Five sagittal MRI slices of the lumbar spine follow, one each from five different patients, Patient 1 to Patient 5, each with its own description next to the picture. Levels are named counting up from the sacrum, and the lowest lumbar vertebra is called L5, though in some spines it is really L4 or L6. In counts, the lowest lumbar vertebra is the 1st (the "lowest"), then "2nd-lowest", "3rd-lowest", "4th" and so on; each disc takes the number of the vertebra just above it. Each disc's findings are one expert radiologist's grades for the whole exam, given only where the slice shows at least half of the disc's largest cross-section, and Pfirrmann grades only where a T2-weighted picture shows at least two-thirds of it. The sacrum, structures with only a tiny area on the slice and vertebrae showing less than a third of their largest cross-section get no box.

Patient 1 of 5:
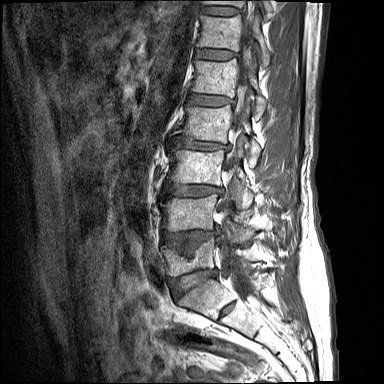
Slice 11 of 17; Sagittal T1-weighted lumbar spine MRI

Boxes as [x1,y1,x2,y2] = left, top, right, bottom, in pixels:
L1 vertebra: [191,58,266,118].
L3 vertebra: [167,149,253,207].
L5: [161,237,253,276].
Spinal canal: [218,14,255,296].
Disc T12/L1: [195,49,237,60].
T11 vertebra: [203,0,271,19].
L4: [160,194,252,236].
Disc L2/L3: [173,137,229,150].
L2: [174,104,260,157].
L5/S1: [169,269,218,296].
Disc T11/T12: [201,6,239,16].
L1/L2: [187,92,233,106].
L4/L5: [163,230,212,255].
T12: [196,15,270,66].
L3/L4: [165,183,223,196].

Expert MSK radiologist gradings (per disc):
  L4/L5: disc bulging, upper-endplate change, lower-endplate change
  T12/L1: upper-endplate change, lower-endplate change
  L2/L3: lower-endplate change, disc narrowing, disc bulging, upper-endplate change
  L1/L2: disc bulging, lower-endplate change, upper-endplate change
  L3/L4: upper-endplate change, disc bulging, lower-endplate change
  L5/S1: upper-endplate change, lower-endplate change, disc bulging, disc narrowing
  T11/T12: no Modic or endplate change, herniation, narrowing, bulging or spondylolisthesis recorded

Patient 2 of 5:
595x761 px. Field of view 240x307 mm, slice spacing 0.9 mm. SIEMENS Avanto_fit (1.5T). MRI lumbar spine (T2 SPACE (3D)), sagittal plane. Slice 67/139.
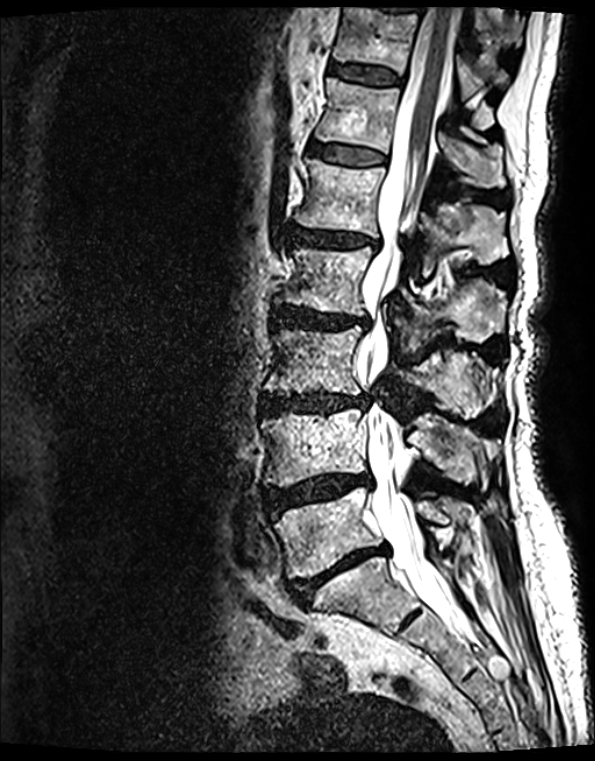
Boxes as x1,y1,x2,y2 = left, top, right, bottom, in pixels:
{"IVD L5/S1 (lowest disc)": "291,545,385,604", "T12 (6th vertebra)": "315,80,505,187", "IVD L1/L2 (5th disc)": "291,228,372,247", "L5 (lowest vertebra)": "274,487,468,578", "IVD T12/L1 (6th disc)": "309,144,383,166", "T11 (7th vertebra)": "331,8,507,99", "L2 (4th vertebra)": "278,248,506,352", "L4 (2nd-lowest vertebra)": "262,409,495,485", "T11/T12 (7th disc)": "330,65,401,85", "IVD L3/L4 (3rd-lowest disc)": "259,393,366,414", "L1 (5th vertebra)": "298,160,507,276", "L2/L3 (4th disc)": "273,309,364,329", "L3 (3rd-lowest vertebra)": "265,327,499,418", "spinal canal": "360,8,468,632", "IVD L4/L5 (2nd-lowest disc)": "265,474,370,515"}

Degenerative findings by level:
- L3/L4 (3rd-lowest disc): Pfirrmann grade 4, Modic type II, disc bulging, disc narrowing, lower-endplate change, upper-endplate change
- T12/L1 (6th disc): Pfirrmann grade 2, lower-endplate change, Modic type II, upper-endplate change
- L2/L3 (4th disc): Pfirrmann grade 4, disc bulging, upper-endplate change, disc narrowing, lower-endplate change, Modic type II
- L4/L5 (2nd-lowest disc): Pfirrmann grade 4, disc herniation, lower-endplate change, disc narrowing, upper-endplate change, disc bulging, Modic type II
- L5/S1 (lowest disc): Pfirrmann grade 5, upper-endplate change, disc narrowing, disc bulging, Modic type II, lower-endplate change
- T11/T12 (7th disc): Pfirrmann grade 2, upper-endplate change, lower-endplate change, Modic type II
- L1/L2 (5th disc): Pfirrmann grade 4, disc narrowing, upper-endplate change, Modic type II, lower-endplate change, disc bulging

Patient 3 of 5:
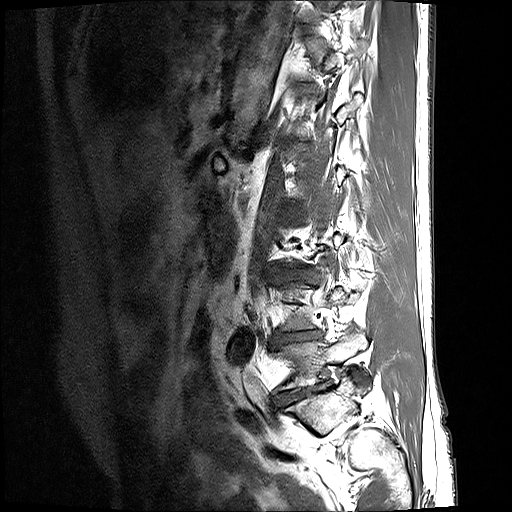

Sagittal T1-weighted lumbar spine MRI, Sagittal slice index 16
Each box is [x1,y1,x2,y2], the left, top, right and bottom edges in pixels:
L5: [275,330,370,390] | disc L5/S1: [276,381,331,407] | disc L3/L4: [273,268,316,281] | L4/L5: [279,331,318,341]

Expert MSK radiologist gradings (per disc):
• L3/L4: disc bulging, disc narrowing
• L5/S1: lower-endplate change, spondylolisthesis, disc narrowing, disc bulging

Patient 4 of 5:
Patient sex: F, Slice spacing 3.4 mm, T2-weighted sagittal MRI of the lumbar spine, Slice 15/36
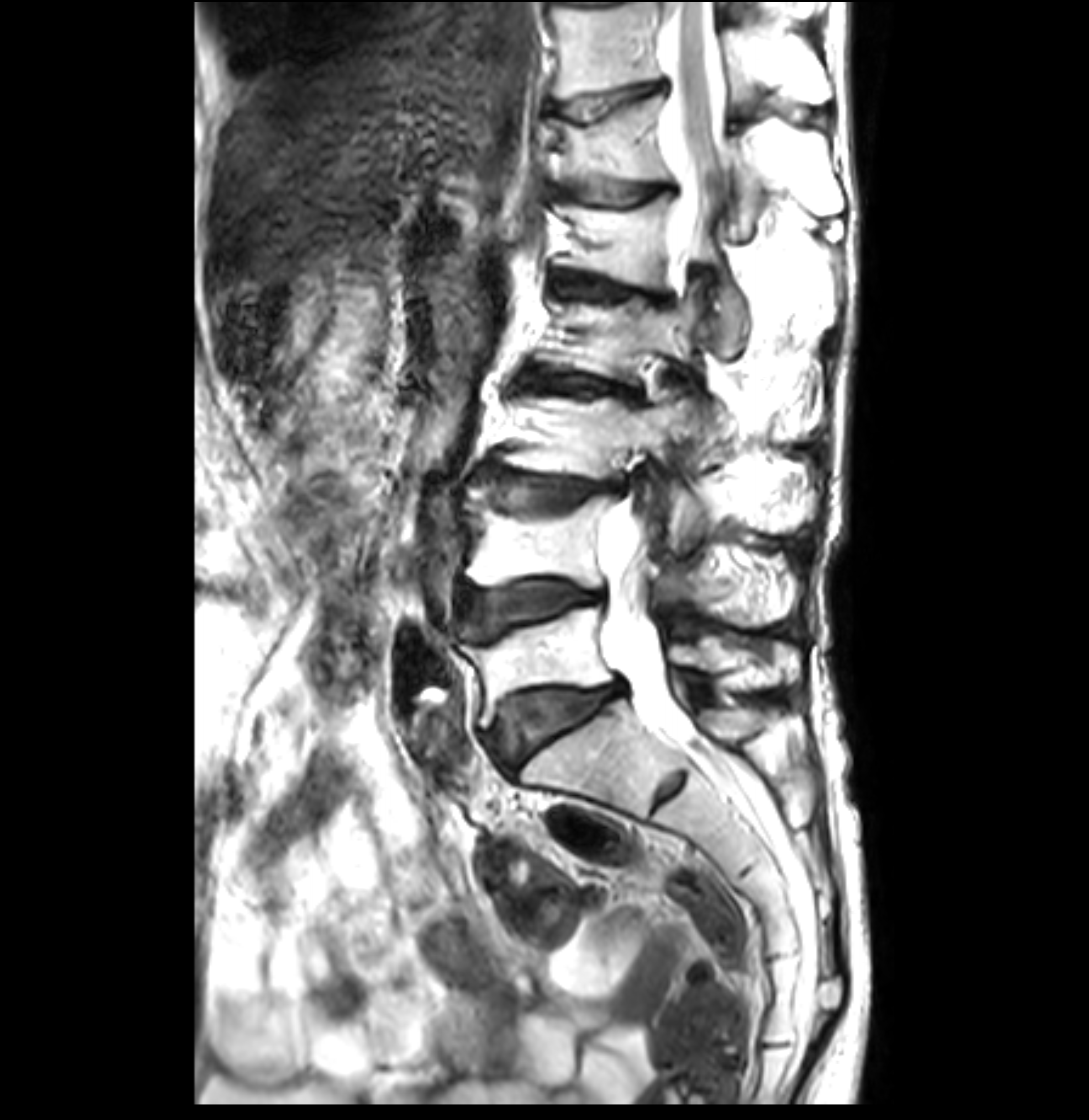 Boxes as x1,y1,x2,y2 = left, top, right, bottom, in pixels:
{"T12/L1": "562,177,678,203", "thecal sac / spinal canal": "605,1,726,732", "T11": "554,1,833,108", "L3 vertebra": "499,396,809,548", "L1/L2": "559,275,668,303", "L5": "459,606,724,726", "T12": "552,92,811,237", "L4 vertebra": "464,483,792,618", "L5/S1": "489,683,620,769", "T11/T12": "559,83,666,122", "disc L4/L5": "462,581,605,634", "L3/L4": "491,465,620,511", "L1 vertebra": "562,195,743,351", "L2 vertebra": "549,295,809,431", "L2/L3": "530,372,639,404"}

Per-level radiological findings:
• T12/L1: lower-endplate change, upper-endplate change, Modic type II
• T11/T12: Pfirrmann grade 1, Modic type II, lower-endplate change, upper-endplate change
• L5/S1: Pfirrmann grade 4, upper-endplate change, lower-endplate change, disc bulging, Modic type II
• L3/L4: Pfirrmann grade 4, lower-endplate change, disc narrowing, disc bulging, Modic type II, upper-endplate change
• L4/L5: Pfirrmann grade 4, Modic type II, disc bulging, upper-endplate change, lower-endplate change

Patient 5 of 5:
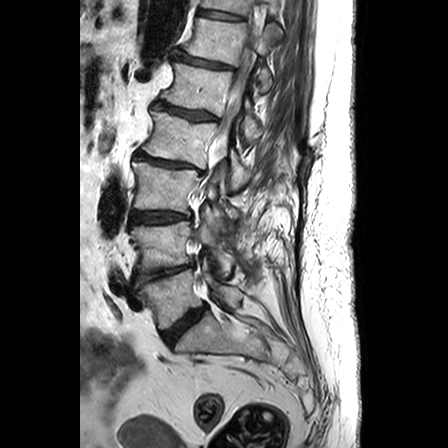 Lumbar spine MR, T2-weighted, sagittal; Slice 16 of 24; Patient sex: F; Field of view 280x280 mm

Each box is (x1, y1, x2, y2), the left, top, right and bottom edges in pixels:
5th vertebra: (161, 62, 261, 140)
7th disc: (198, 8, 242, 20)
3rd-lowest vertebra: (132, 161, 232, 231)
lowest disc: (162, 306, 206, 345)
4th disc: (134, 150, 204, 174)
5th disc: (155, 102, 216, 120)
2nd-lowest vertebra: (130, 212, 235, 276)
3rd-lowest disc: (130, 211, 189, 224)
2nd-lowest disc: (135, 263, 193, 283)
4th vertebra: (142, 110, 249, 191)
7th vertebra: (201, 0, 273, 15)
6th vertebra: (184, 18, 275, 93)
6th disc: (175, 54, 232, 69)
spinal canal: (215, 52, 251, 152)
lowest vertebra: (139, 257, 242, 329)

Radiological gradings:
  2nd-lowest disc: Pfirrmann grade 4, disc bulging, disc narrowing
  4th disc: Pfirrmann grade 5, spondylolisthesis, Modic type II, disc bulging, disc narrowing
  6th disc: Pfirrmann grade 3, disc narrowing
  7th disc: Pfirrmann grade 1
  3rd-lowest disc: Pfirrmann grade 3, disc bulging
  5th disc: Pfirrmann grade 3, Modic type II, disc narrowing
  lowest disc: Pfirrmann grade 3, disc bulging